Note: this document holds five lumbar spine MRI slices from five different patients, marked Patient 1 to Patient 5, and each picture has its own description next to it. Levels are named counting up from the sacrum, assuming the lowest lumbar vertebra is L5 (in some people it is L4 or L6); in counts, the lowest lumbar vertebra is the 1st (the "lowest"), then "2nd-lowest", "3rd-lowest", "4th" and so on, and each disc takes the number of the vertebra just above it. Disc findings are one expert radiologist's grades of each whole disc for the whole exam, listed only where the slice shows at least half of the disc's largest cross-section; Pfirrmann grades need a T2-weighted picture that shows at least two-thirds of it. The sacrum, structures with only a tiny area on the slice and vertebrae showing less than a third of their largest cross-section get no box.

Patient 1 of 5:
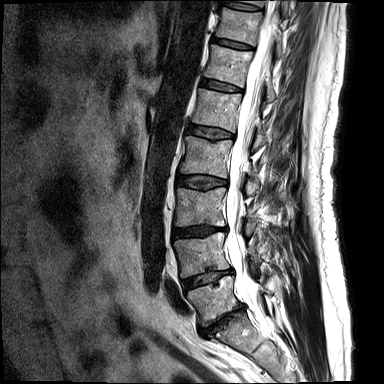
T2-weighted sagittal MRI of the lumbar spine | Sex M | 384x384 px | Slice 9/15

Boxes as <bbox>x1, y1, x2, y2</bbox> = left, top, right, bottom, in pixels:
Spinal canal at <bbox>226, 0, 278, 330</bbox>, T10 at <bbox>238, 0, 289, 15</bbox>, intervertebral disc T11/T12 at <bbox>212, 37, 252, 49</bbox>, L3/L4 at <bbox>173, 225, 226, 237</bbox>, intervertebral disc L1/L2 at <bbox>188, 125, 233, 140</bbox>, L2/L3 at <bbox>178, 175, 227, 189</bbox>, T12 vertebra at <bbox>204, 44, 276, 101</bbox>, T11 vertebra at <bbox>216, 7, 282, 52</bbox>, L1 vertebra at <bbox>192, 88, 268, 150</bbox>, L4 at <bbox>174, 232, 260, 277</bbox>, intervertebral disc L5/S1 at <bbox>200, 304, 244, 334</bbox>, L3 at <bbox>175, 188, 255, 233</bbox>, L2 vertebra at <bbox>180, 136, 259, 193</bbox>, T12/L1 at <bbox>201, 79, 240, 91</bbox>, L5 at <bbox>188, 276, 268, 325</bbox>, intervertebral disc L4/L5 at <bbox>183, 268, 232, 288</bbox>, T10/T11 at <bbox>219, 1, 260, 11</bbox>.

Degenerative findings by level:
  T11/T12: Pfirrmann grade 1
  L1/L2: Pfirrmann grade 2, upper-endplate change, disc bulging
  L2/L3: Pfirrmann grade 2, disc bulging
  L4/L5: Pfirrmann grade 3, upper-endplate change, lower-endplate change, Modic type II, disc bulging, disc narrowing
  L3/L4: Pfirrmann grade 3, lower-endplate change, disc narrowing, disc bulging, upper-endplate change
  T10/T11: Pfirrmann grade 1
  T12/L1: Pfirrmann grade 1
  L5/S1: Modic type II, disc bulging, lower-endplate change, upper-endplate change, disc narrowing

Patient 2 of 5:
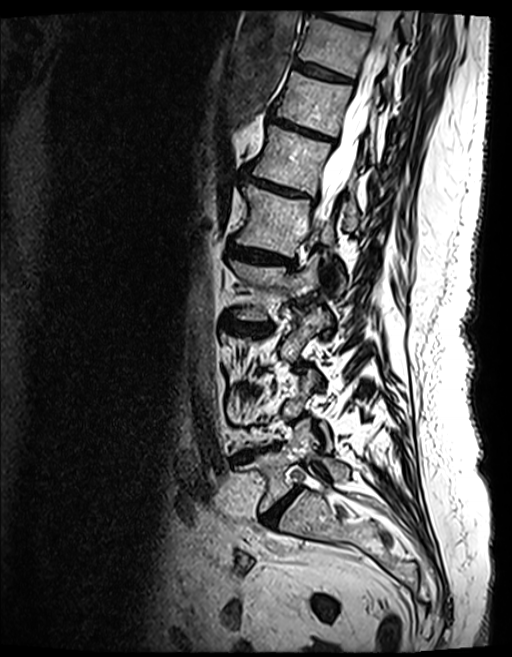

Lumbar spine MR, T2 SPACE (3D), sagittal. Patient sex: F.

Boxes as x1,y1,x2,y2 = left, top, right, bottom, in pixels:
Structures:
- T12 vertebra: 251,125,357,230
- L1/L2: 231,245,288,263
- thecal sac / spinal canal: 312,10,397,225
- disc T9/T10: 308,0,367,28
- L5: 238,420,348,511
- L1: 237,185,343,291
- L2 vertebra: 230,254,319,320
- disc T12/L1: 243,175,308,197
- disc L4/L5: 236,449,264,459
- T11/T12: 269,115,330,140
- T10: 299,16,397,94
- T9 vertebra: 328,9,414,38
- L5/S1: 263,488,300,526
- disc L2/L3: 226,318,270,334
- T11 vertebra: 276,72,377,162
- disc T10/T11: 294,60,349,81

Degenerative findings by level:
- T9/T10: Pfirrmann grade 4, lower-endplate change, Modic type II, upper-endplate change, disc bulging
- T10/T11: Pfirrmann grade 4, Modic type II, upper-endplate change, lower-endplate change
- T11/T12: Pfirrmann grade 5, upper-endplate change, disc narrowing, Modic type II, disc bulging, lower-endplate change
- L2/L3: Pfirrmann grade 4, Modic type II, upper-endplate change, disc narrowing, lower-endplate change, disc bulging
- T12/L1: Pfirrmann grade 4, Modic type II, disc narrowing, lower-endplate change, upper-endplate change, disc bulging
- L1/L2: Pfirrmann grade 4, disc narrowing, Modic type II, upper-endplate change, disc bulging, lower-endplate change

Patient 3 of 5:
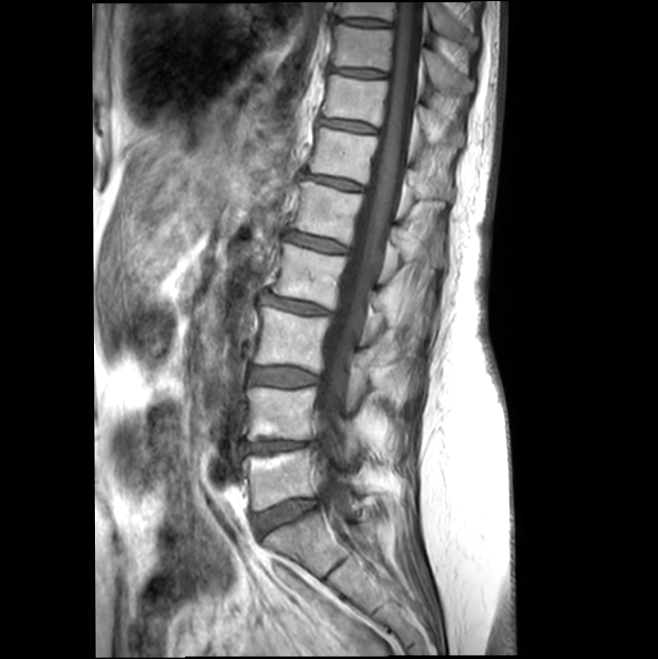

Slice spacing 4.4 mm; Lumbar spine MR, T1-weighted, sagittal

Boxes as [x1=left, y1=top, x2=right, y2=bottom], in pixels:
2nd-lowest disc: [x1=242, y1=440, x2=315, y2=452]
7th disc: [x1=319, y1=118, x2=375, y2=133]
9th disc: [x1=343, y1=19, x2=387, y2=26]
8th disc: [x1=330, y1=66, x2=386, y2=78]
2nd-lowest vertebra: [x1=247, y1=386, x2=362, y2=453]
thecal sac / spinal canal: [x1=318, y1=1, x2=425, y2=506]
lowest disc: [x1=252, y1=499, x2=317, y2=534]
lowest vertebra: [x1=242, y1=448, x2=364, y2=510]
7th vertebra: [x1=321, y1=74, x2=463, y2=147]
4th disc: [x1=264, y1=295, x2=327, y2=313]
8th vertebra: [x1=332, y1=22, x2=472, y2=92]
6th vertebra: [x1=309, y1=127, x2=452, y2=200]
5th vertebra: [x1=291, y1=181, x2=442, y2=266]
6th disc: [x1=305, y1=174, x2=361, y2=190]
4th vertebra: [x1=273, y1=244, x2=415, y2=330]
5th disc: [x1=286, y1=232, x2=346, y2=251]
9th vertebra: [x1=337, y1=2, x2=477, y2=47]
3rd-lowest vertebra: [x1=254, y1=306, x2=405, y2=400]
3rd-lowest disc: [x1=251, y1=367, x2=317, y2=386]

Radiological gradings:
  2nd-lowest disc: Modic type II, lower-endplate change, disc bulging, upper-endplate change
  lowest disc: disc bulging
  4th disc: disc bulging
  3rd-lowest disc: disc bulging, Modic type II
  7th disc, 9th disc, 8th disc, 5th disc, 6th disc: no herniation, bulging, narrowing, spondylolisthesis, endplate or Modic change recorded

Patient 4 of 5:
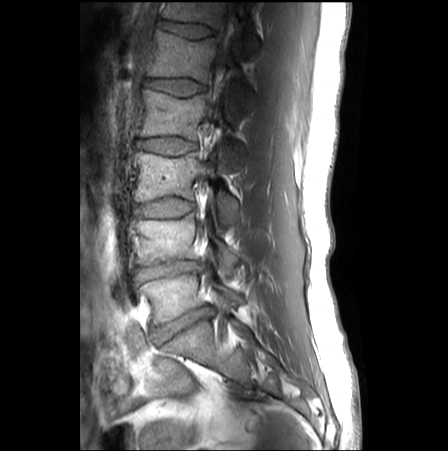 Slice 10 of 27 | Sagittal T1-weighted lumbar spine MRI | Patient sex: M

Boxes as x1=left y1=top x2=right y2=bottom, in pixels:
T12 vertebra at x1=162 y1=2 x2=259 y2=54, L4/L5 at x1=139 y1=259 x2=198 y2=279, IVD T12/L1 at x1=162 y1=21 x2=211 y2=38, IVD L2/L3 at x1=138 y1=136 x2=195 y2=154, IVD L1/L2 at x1=145 y1=78 x2=203 y2=95, thecal sac / spinal canal at x1=208 y1=2 x2=235 y2=114, L5 at x1=139 y1=268 x2=242 y2=324, L2 vertebra at x1=140 y1=90 x2=239 y2=167, L3 at x1=135 y1=152 x2=238 y2=227, L4 at x1=136 y1=214 x2=237 y2=274, IVD L3/L4 at x1=137 y1=199 x2=193 y2=217, IVD L5/S1 at x1=154 y1=306 x2=210 y2=343, L1 vertebra at x1=148 y1=31 x2=250 y2=110.

Degenerative findings by level:
  T12/L1: lower-endplate change
  L4/L5: disc narrowing, disc bulging
  L5/S1: disc bulging, disc narrowing
  L3/L4, L1/L2, L2/L3: no herniation, bulging, narrowing, spondylolisthesis, endplate or Modic change recorded

Patient 5 of 5:
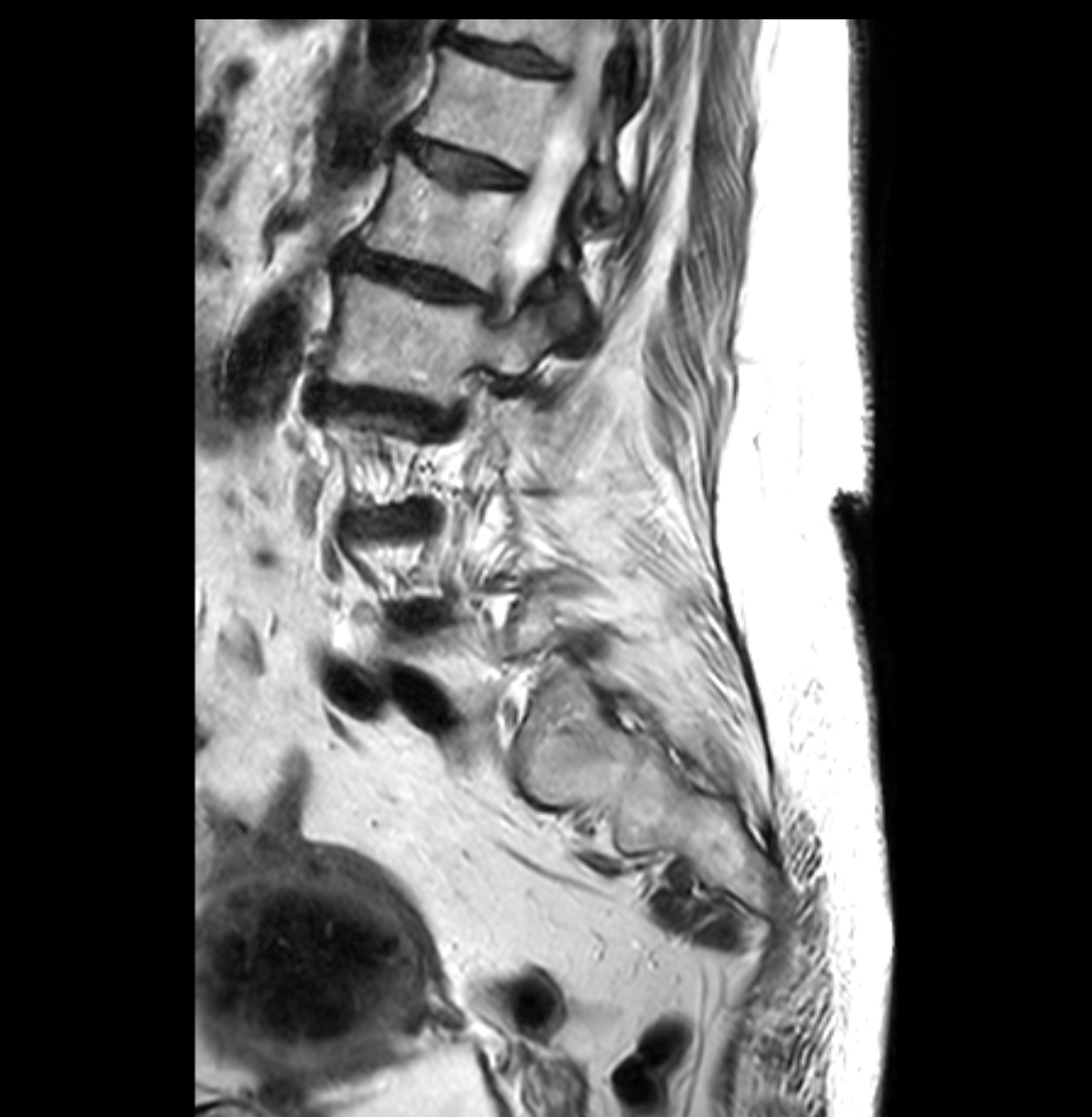

Sagittal T2-weighted lumbar spine MRI, Slice 24 of 33

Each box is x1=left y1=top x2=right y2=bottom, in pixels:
Structures:
* L3/L4 — x1=378 y1=516 x2=409 y2=525
* spinal canal — x1=502 y1=20 x2=621 y2=307
* L4/L5 — x1=403 y1=607 x2=438 y2=625
* T11 — x1=456 y1=19 x2=648 y2=81
* L1 — x1=361 y1=155 x2=579 y2=327
* intervertebral disc L2/L3 — x1=317 y1=387 x2=391 y2=407
* L2 — x1=324 y1=272 x2=550 y2=398
* T12 vertebra — x1=414 y1=46 x2=621 y2=215
* T12/L1 — x1=408 y1=138 x2=521 y2=187
* intervertebral disc L1/L2 — x1=351 y1=252 x2=479 y2=297
* T11/T12 — x1=453 y1=38 x2=560 y2=75

Degenerative findings by level:
- L1/L2: Pfirrmann grade 4, disc bulging, upper-endplate change, lower-endplate change, disc narrowing
- T11/T12: Pfirrmann grade 4, disc narrowing
- T12/L1: Pfirrmann grade 4, disc narrowing, disc bulging